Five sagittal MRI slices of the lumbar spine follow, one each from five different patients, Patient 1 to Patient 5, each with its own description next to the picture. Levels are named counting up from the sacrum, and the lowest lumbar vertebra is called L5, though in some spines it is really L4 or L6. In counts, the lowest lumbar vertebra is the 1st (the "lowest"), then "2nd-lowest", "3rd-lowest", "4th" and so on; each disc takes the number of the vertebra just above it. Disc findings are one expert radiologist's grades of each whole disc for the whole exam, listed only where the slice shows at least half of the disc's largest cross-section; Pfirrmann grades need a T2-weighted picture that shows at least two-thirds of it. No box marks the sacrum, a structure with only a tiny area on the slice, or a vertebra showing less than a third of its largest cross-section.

Patient 1 of 5:
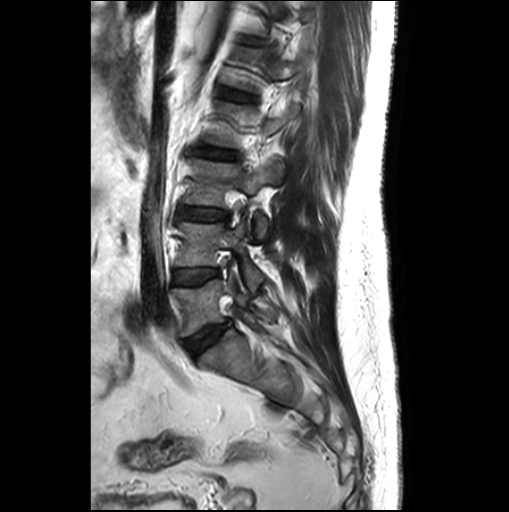 Sagittal slice index 7 | Lumbar spine MR, T2-weighted, sagittal
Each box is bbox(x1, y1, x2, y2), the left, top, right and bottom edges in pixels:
5th disc: bbox(223, 89, 248, 100)
4th disc: bbox(195, 147, 236, 159)
3rd-lowest vertebra: bbox(185, 159, 283, 236)
3rd-lowest disc: bbox(181, 207, 227, 220)
2nd-lowest disc: bbox(173, 268, 218, 284)
2nd-lowest vertebra: bbox(176, 221, 262, 291)
lowest vertebra: bbox(173, 275, 277, 335)
lowest disc: bbox(186, 321, 230, 356)

Radiological gradings:
- 4th disc: lower-endplate change, upper-endplate change, disc bulging
- lowest disc: disc bulging
- 2nd-lowest disc, 3rd-lowest disc: no spondylolisthesis, narrowing, bulging, herniation, Modic or endplate change recorded

Patient 2 of 5:
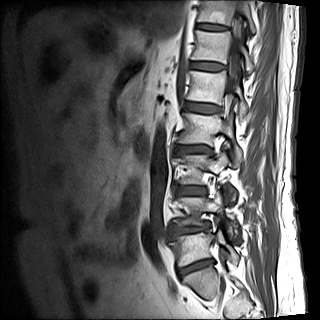
Patient sex: M | Lumbar spine MR, T1-weighted, sagittal
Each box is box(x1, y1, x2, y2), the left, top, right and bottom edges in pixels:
* 7th vertebra at box(198, 0, 256, 33)
* 4th disc at box(176, 146, 210, 153)
* 5th disc at box(184, 102, 219, 112)
* spinal canal at box(226, 38, 241, 181)
* 3rd-lowest disc at box(177, 186, 203, 195)
* lowest vertebra at box(170, 230, 238, 266)
* 3rd-lowest vertebra at box(181, 153, 237, 204)
* 2nd-lowest disc at box(171, 222, 209, 238)
* 6th vertebra at box(192, 30, 252, 72)
* 4th vertebra at box(178, 113, 242, 165)
* 2nd-lowest vertebra at box(177, 193, 237, 240)
* 5th vertebra at box(187, 71, 247, 120)
* lowest disc at box(178, 259, 213, 276)
* 6th disc at box(190, 62, 224, 70)
* 7th disc at box(197, 23, 227, 30)

Per-level radiological findings:
  2nd-lowest disc: disc bulging, disc narrowing, lower-endplate change, Modic type II, upper-endplate change
  3rd-lowest disc: lower-endplate change, upper-endplate change, Modic type II, disc bulging
  4th disc: lower-endplate change, Modic type II, disc narrowing, disc bulging, upper-endplate change
  lowest disc: disc bulging, upper-endplate change, disc narrowing, lower-endplate change, Modic type II
  7th disc, 5th disc, 6th disc: no spondylolisthesis, narrowing, bulging, herniation, Modic or endplate change recorded

Patient 3 of 5:
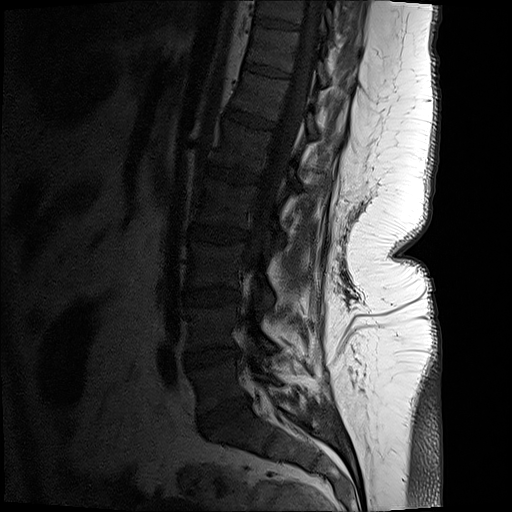 T1-weighted sagittal MRI of the lumbar spine, Sex F, Image 512x512
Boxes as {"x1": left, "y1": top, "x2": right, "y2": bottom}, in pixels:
L5/S1 at {"x1": 200, "y1": 394, "x2": 250, "y2": 429}, L5 vertebra at {"x1": 192, "y1": 360, "x2": 280, "y2": 411}, L3 at {"x1": 189, "y1": 241, "x2": 276, "y2": 306}, T10 at {"x1": 256, "y1": 0, "x2": 333, "y2": 33}, intervertebral disc L1/L2 at {"x1": 195, "y1": 161, "x2": 260, "y2": 183}, T12/L1 at {"x1": 223, "y1": 104, "x2": 274, "y2": 129}, intervertebral disc L2/L3 at {"x1": 190, "y1": 222, "x2": 249, "y2": 242}, intervertebral disc T10/T11 at {"x1": 254, "y1": 16, "x2": 299, "y2": 29}, thecal sac / spinal canal at {"x1": 247, "y1": 0, "x2": 324, "y2": 308}, L4 vertebra at {"x1": 189, "y1": 303, "x2": 277, "y2": 350}, T12 at {"x1": 233, "y1": 70, "x2": 345, "y2": 145}, intervertebral disc L4/L5 at {"x1": 185, "y1": 346, "x2": 242, "y2": 369}, T11 at {"x1": 248, "y1": 25, "x2": 326, "y2": 84}, intervertebral disc T11/T12 at {"x1": 244, "y1": 62, "x2": 290, "y2": 77}, intervertebral disc L3/L4 at {"x1": 186, "y1": 286, "x2": 240, "y2": 307}, L1 at {"x1": 214, "y1": 118, "x2": 302, "y2": 190}, L2 at {"x1": 193, "y1": 176, "x2": 286, "y2": 241}.

Expert MSK radiologist gradings (per disc):
• L5/S1: disc narrowing, disc bulging
• L4/L5: disc bulging, disc narrowing
• T12/L1, L2/L3, L3/L4, L1/L2, T10/T11, T11/T12: no spondylolisthesis, narrowing, bulging, herniation, Modic or endplate change recorded

Patient 4 of 5:
Image 526x661, T2 SPACE (3D) sagittal MRI of the lumbar spine, Slice spacing 0.9 mm 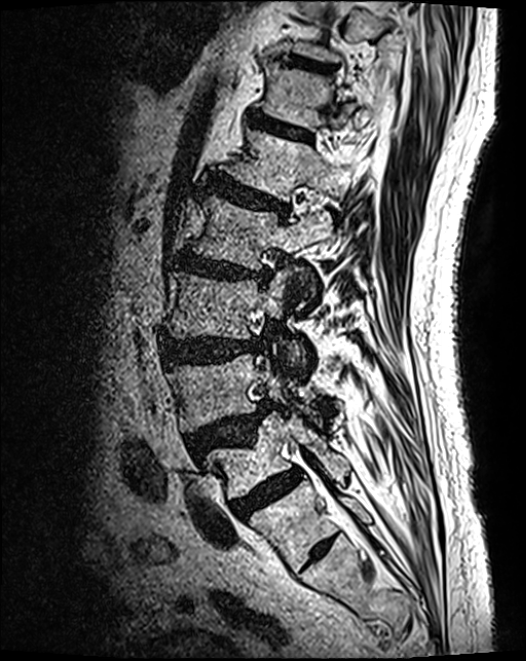
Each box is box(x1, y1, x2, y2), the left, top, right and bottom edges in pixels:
• L2/L3 = box(175, 254, 270, 283)
• L5 = box(203, 415, 345, 500)
• L5/S1 = box(231, 470, 301, 518)
• L2 = box(189, 195, 334, 311)
• L1/L2 = box(208, 177, 287, 214)
• L1 vertebra = box(225, 131, 356, 200)
• L4/L5 = box(187, 402, 272, 457)
• L3 = box(163, 273, 305, 372)
• T12 = box(262, 67, 373, 131)
• L3/L4 = box(162, 340, 259, 364)
• disc T11/T12 = box(290, 59, 332, 73)
• disc T12/L1 = box(249, 116, 310, 141)
• L4 vertebra = box(168, 356, 314, 431)

Radiological gradings:
• T12/L1: Pfirrmann grade 3
• L4/L5: Pfirrmann grade 4, disc herniation, upper-endplate change, spondylolisthesis
• L3/L4: Pfirrmann grade 4, disc bulging
• L1/L2: Pfirrmann grade 4, upper-endplate change, disc bulging, lower-endplate change
• L5/S1: Pfirrmann grade 4
• L2/L3: Pfirrmann grade 4, disc bulging, upper-endplate change, lower-endplate change, disc narrowing

Patient 5 of 5:
MRI lumbar spine (T2-weighted), sagittal plane. Sex F. Slice spacing 5.1 mm. 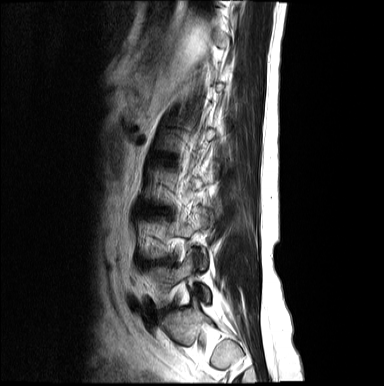
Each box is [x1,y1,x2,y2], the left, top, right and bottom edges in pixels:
L5 vertebra: [149,253,210,308]
L4/L5: [148,260,168,265]